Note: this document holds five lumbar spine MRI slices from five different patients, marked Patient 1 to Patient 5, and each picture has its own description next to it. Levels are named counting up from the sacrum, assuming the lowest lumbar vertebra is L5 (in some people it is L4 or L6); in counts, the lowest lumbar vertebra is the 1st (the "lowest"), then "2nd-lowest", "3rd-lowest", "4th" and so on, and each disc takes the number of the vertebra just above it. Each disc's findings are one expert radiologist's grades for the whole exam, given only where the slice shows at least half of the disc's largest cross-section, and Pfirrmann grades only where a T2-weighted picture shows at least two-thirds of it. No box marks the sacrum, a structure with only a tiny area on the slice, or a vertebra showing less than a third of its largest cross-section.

Patient 1 of 5:
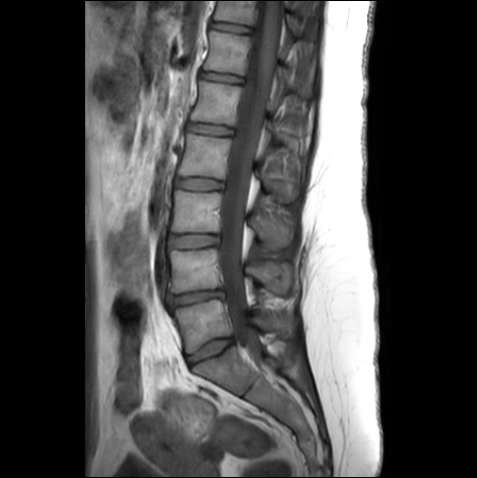

Image 477x478; Lumbar spine MR, T1-weighted, sagittal

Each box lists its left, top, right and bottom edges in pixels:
L2 at left=179, top=133, right=297, bottom=201; L1 vertebra at left=190, top=81, right=298, bottom=143; T12 vertebra at left=204, top=31, right=314, bottom=96; L3/L4 at left=168, top=234, right=218, bottom=247; intervertebral disc L2/L3 at left=177, top=178, right=222, bottom=189; L3 at left=172, top=190, right=292, bottom=248; L1/L2 at left=187, top=123, right=231, bottom=134; L5 at left=173, top=299, right=291, bottom=352; intervertebral disc L5/S1 at left=186, top=337, right=232, bottom=365; T11 at left=214, top=1, right=299, bottom=35; intervertebral disc T12/L1 at left=201, top=71, right=242, bottom=82; T11/T12 at left=212, top=21, right=249, bottom=32; L4 vertebra at left=169, top=248, right=291, bottom=293; intervertebral disc L4/L5 at left=168, top=289, right=225, bottom=305; spinal canal at left=219, top=1, right=281, bottom=358.

Radiological gradings:
- L4/L5: disc bulging, disc narrowing
- L5/S1, T11/T12, T12/L1, L3/L4, L1/L2, L2/L3: no Modic or endplate change, herniation, narrowing, bulging or spondylolisthesis recorded

Patient 2 of 5:
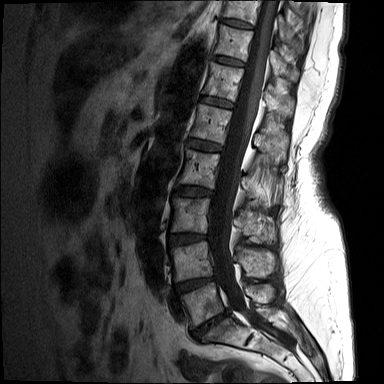 MRI lumbar spine (T1-weighted), sagittal plane. Sex F. 384x384 px.
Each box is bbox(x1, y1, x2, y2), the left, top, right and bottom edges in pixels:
L2 (4th vertebra): bbox(178, 149, 280, 205).
L3/L4 (3rd-lowest disc): bbox(169, 233, 208, 246).
Thecal sac / spinal canal: bbox(210, 0, 293, 350).
T11/T12 (7th disc): bbox(213, 55, 243, 66).
Disc L4/L5 (2nd-lowest disc): bbox(174, 276, 217, 294).
T12/L1 (6th disc): bbox(201, 96, 233, 108).
T10 (8th vertebra): bbox(224, 0, 302, 52).
Disc L5/S1 (lowest disc): bbox(192, 309, 229, 339).
L4 (2nd-lowest vertebra): bbox(170, 241, 275, 281).
Disc L1/L2 (5th disc): bbox(187, 139, 222, 151).
L1 (5th vertebra): bbox(191, 104, 288, 162).
Disc L2/L3 (4th disc): bbox(174, 185, 214, 196).
L5 (lowest vertebra): bbox(180, 282, 275, 328).
L3 (3rd-lowest vertebra): bbox(170, 197, 276, 243).
T12 (6th vertebra): bbox(203, 62, 294, 116).
T11 (7th vertebra): bbox(215, 24, 299, 81).
Disc T10/T11 (8th disc): bbox(221, 18, 253, 29).

Degenerative findings by level:
- L4/L5 (2nd-lowest disc): disc narrowing, disc bulging
- L5/S1 (lowest disc): disc bulging, disc narrowing, Modic type II
- L1/L2 (5th disc): Modic type II
- L3/L4 (3rd-lowest disc): disc narrowing, disc bulging
- L2/L3 (4th disc): disc bulging, Modic type II
- T12/L1 (6th disc), T11/T12 (7th disc), T10/T11 (8th disc): no spondylolisthesis, narrowing, bulging, herniation, Modic or endplate change recorded

Patient 3 of 5:
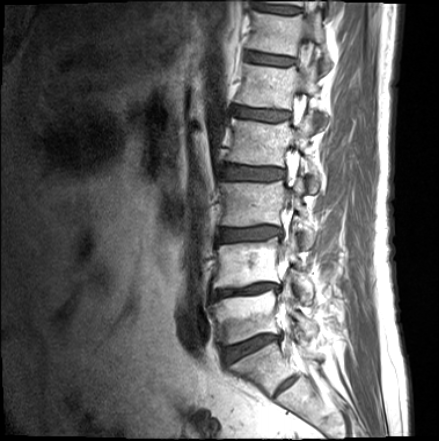 Field of view 280x281 mm, slice spacing 4.4 mm; MRI lumbar spine (T1-weighted), sagittal plane; Sex M; Image 439x441

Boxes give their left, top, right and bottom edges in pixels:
L5/S1: left=222, top=334, right=281, bottom=362
L1/L2: left=233, top=106, right=287, bottom=121
L1 vertebra: left=236, top=63, right=326, bottom=124
L2/L3: left=220, top=164, right=284, bottom=180
L3 vertebra: left=220, top=179, right=315, bottom=247
disc L4/L5: left=211, top=283, right=279, bottom=300
disc T12/L1: left=247, top=52, right=293, bottom=65
L5 vertebra: left=211, top=276, right=316, bottom=344
disc T11/T12: left=255, top=3, right=299, bottom=13
T12: left=248, top=11, right=330, bottom=71
L3/L4: left=218, top=227, right=279, bottom=241
L4 vertebra: left=213, top=232, right=313, bottom=303
L2: left=227, top=113, right=319, bottom=192

Per-level radiological findings:
  L2/L3: lower-endplate change, upper-endplate change
  T12/L1: lower-endplate change, upper-endplate change
  L3/L4: lower-endplate change, disc bulging, upper-endplate change
  L5/S1: disc narrowing, upper-endplate change, disc bulging, Modic type II, lower-endplate change
  L4/L5: disc bulging, lower-endplate change, disc narrowing, upper-endplate change, Modic type II
  L1/L2: upper-endplate change, lower-endplate change
  T11/T12: no spondylolisthesis, narrowing, bulging, herniation, Modic or endplate change recorded

Patient 4 of 5:
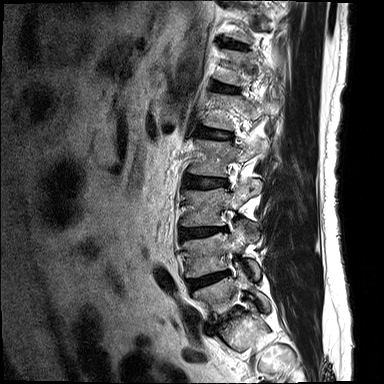 Slice 12 of 15, Sagittal T2-weighted lumbar spine MRI
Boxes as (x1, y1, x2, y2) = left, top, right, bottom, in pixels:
L2/L3 (4th disc) at (185, 176, 227, 187).
L3 (3rd-lowest vertebra) at (181, 180, 261, 241).
L1 (5th vertebra) at (203, 93, 280, 130).
IVD T11/T12 (7th disc) at (224, 41, 246, 48).
L4 (2nd-lowest vertebra) at (183, 222, 260, 279).
IVD L5/S1 (lowest disc) at (212, 307, 238, 328).
IVD T12/L1 (6th disc) at (213, 82, 238, 92).
T12 (6th vertebra) at (218, 50, 283, 85).
IVD L1/L2 (5th disc) at (199, 127, 232, 139).
L4/L5 (2nd-lowest disc) at (188, 271, 228, 289).
L3/L4 (3rd-lowest disc) at (179, 228, 226, 239).
L5 (lowest vertebra) at (193, 265, 270, 321).
L2 (4th vertebra) at (188, 139, 268, 176).

Expert MSK radiologist gradings (per disc):
- L1/L2 (5th disc): upper-endplate change, disc bulging
- L2/L3 (4th disc): Pfirrmann grade 2, disc bulging
- L3/L4 (3rd-lowest disc): Pfirrmann grade 3, upper-endplate change, disc bulging, disc narrowing, lower-endplate change
- L4/L5 (2nd-lowest disc): disc bulging, disc narrowing, lower-endplate change, Modic type II, upper-endplate change
- T12/L1 (6th disc), T11/T12 (7th disc): no spondylolisthesis, narrowing, bulging, herniation, Modic or endplate change recorded

Patient 5 of 5:
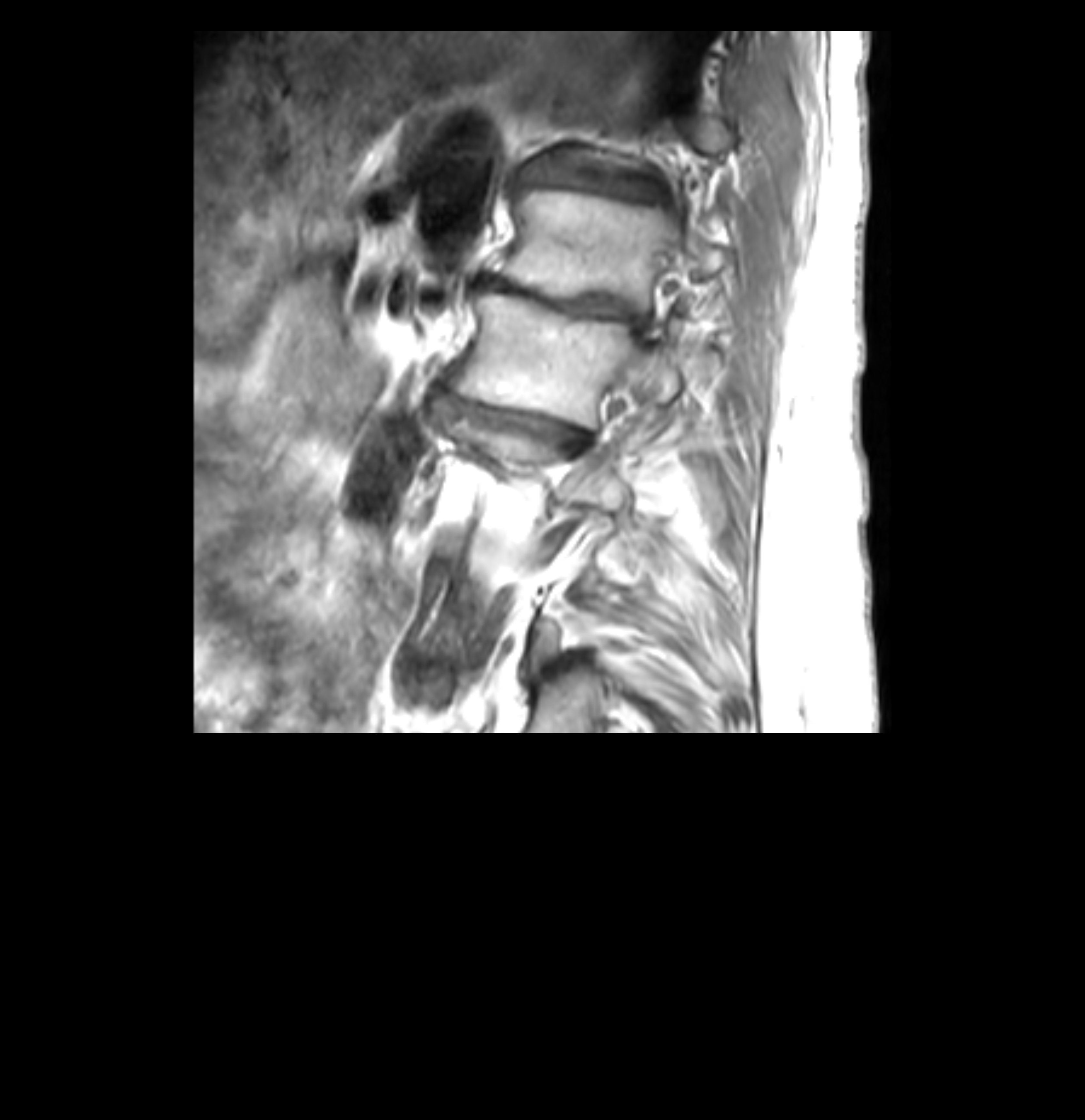 Field of view 280x289 mm, slice spacing 3.4 mm; Slice 30 of 41; Image 1085x1120; Lumbar spine MR, T1-weighted, sagittal

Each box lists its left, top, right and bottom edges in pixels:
L1/L2 at left=475, top=272, right=639, bottom=324; L2/L3 at left=431, top=392, right=593, bottom=454; L1 vertebra at left=497, top=190, right=726, bottom=311; intervertebral disc T12/L1 at left=521, top=164, right=661, bottom=202; L2 vertebra at left=450, top=291, right=683, bottom=430.

Degenerative findings by level:
• L1/L2: upper-endplate change, Modic type II, lower-endplate change, disc narrowing, disc bulging
• L2/L3: upper-endplate change, disc narrowing, disc bulging, lower-endplate change, Modic type II
• T12/L1: lower-endplate change, disc bulging, Modic type II, disc narrowing, upper-endplate change